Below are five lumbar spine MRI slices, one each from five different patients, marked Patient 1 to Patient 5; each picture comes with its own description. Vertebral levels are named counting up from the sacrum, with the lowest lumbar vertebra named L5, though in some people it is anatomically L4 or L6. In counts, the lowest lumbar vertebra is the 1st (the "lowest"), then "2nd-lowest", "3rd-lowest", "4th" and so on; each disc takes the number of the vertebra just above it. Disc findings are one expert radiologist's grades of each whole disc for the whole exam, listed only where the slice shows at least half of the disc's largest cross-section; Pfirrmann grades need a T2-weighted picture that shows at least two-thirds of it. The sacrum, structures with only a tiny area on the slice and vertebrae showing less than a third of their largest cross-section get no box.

Patient 1 of 5:
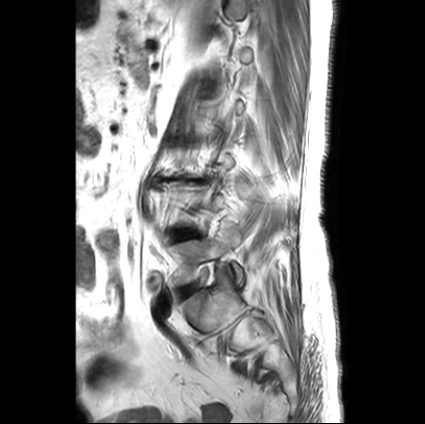 Slice spacing 3.3 mm. Patient sex: F. Slice 22 of 27. MRI lumbar spine (T2-weighted), sagittal plane.
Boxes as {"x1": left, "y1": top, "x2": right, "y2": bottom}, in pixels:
Lowest vertebra: {"x1": 173, "y1": 226, "x2": 243, "y2": 286}.
2nd-lowest disc: {"x1": 175, "y1": 230, "x2": 198, "y2": 239}.
3rd-lowest disc: {"x1": 162, "y1": 177, "x2": 200, "y2": 181}.
Lowest disc: {"x1": 182, "y1": 285, "x2": 194, "y2": 296}.

Patient 2 of 5:
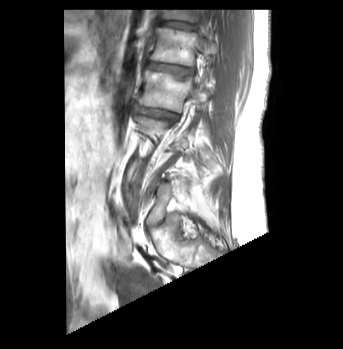

Field of view 285x291 mm, Lumbar spine MR, T1-weighted, sagittal

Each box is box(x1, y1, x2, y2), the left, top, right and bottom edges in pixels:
L2 vertebra: box(138, 70, 191, 112).
L1: box(150, 27, 202, 65).
T12: box(163, 10, 195, 22).
L1/L2: box(146, 60, 192, 78).
Intervertebral disc L2/L3: box(137, 106, 178, 122).
Intervertebral disc T12/L1: box(159, 20, 195, 30).

Per-level radiological findings:
- T12/L1: upper-endplate change
- L2/L3: disc narrowing, Modic type II, lower-endplate change, disc bulging
- L1/L2: upper-endplate change

Patient 3 of 5:
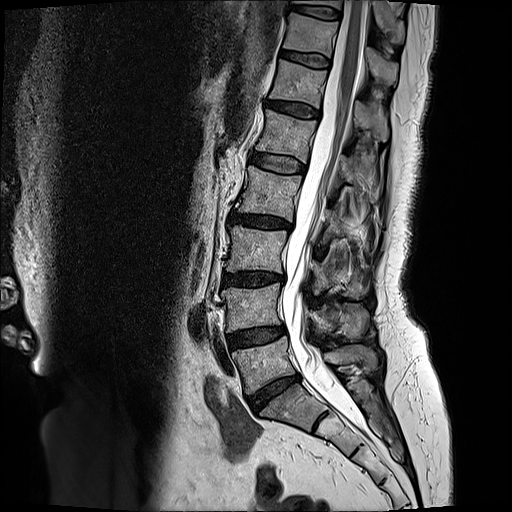 Field of view 300x300 mm, slice spacing 3.3 mm, Sagittal T2-weighted lumbar spine MRI, Image 512x512
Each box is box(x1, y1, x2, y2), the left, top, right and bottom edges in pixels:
Structures:
* intervertebral disc L3/L4 = box(223, 271, 283, 283)
* intervertebral disc L1/L2 = box(251, 152, 305, 172)
* T10 = box(293, 0, 406, 40)
* L4 vertebra = box(222, 282, 368, 337)
* intervertebral disc L2/L3 = box(229, 210, 291, 227)
* intervertebral disc T10/T11 = box(287, 5, 340, 18)
* L3 = box(228, 225, 362, 297)
* T12/L1 = box(267, 99, 319, 117)
* T12 vertebra = box(271, 59, 390, 141)
* L2 vertebra = box(236, 166, 342, 242)
* L5 = box(233, 337, 377, 393)
* intervertebral disc L4/L5 = box(229, 326, 284, 346)
* spinal canal = box(282, 1, 366, 429)
* T11 vertebra = box(284, 13, 398, 84)
* L5/S1 = box(249, 376, 298, 411)
* L1 = box(257, 110, 354, 183)
* intervertebral disc T11/T12 = box(283, 50, 330, 66)

Radiological gradings:
• T12/L1: Pfirrmann grade 3, disc bulging
• L1/L2: Pfirrmann grade 2
• L4/L5: Pfirrmann grade 3, disc bulging
• T11/T12: Pfirrmann grade 2
• T10/T11: Pfirrmann grade 2
• L2/L3: Pfirrmann grade 4, lower-endplate change, Modic type II, upper-endplate change, disc narrowing, disc bulging
• L5/S1: Pfirrmann grade 4, disc narrowing, disc bulging
• L3/L4: Pfirrmann grade 4, disc narrowing, Modic type II, upper-endplate change, lower-endplate change, disc bulging

Patient 4 of 5:
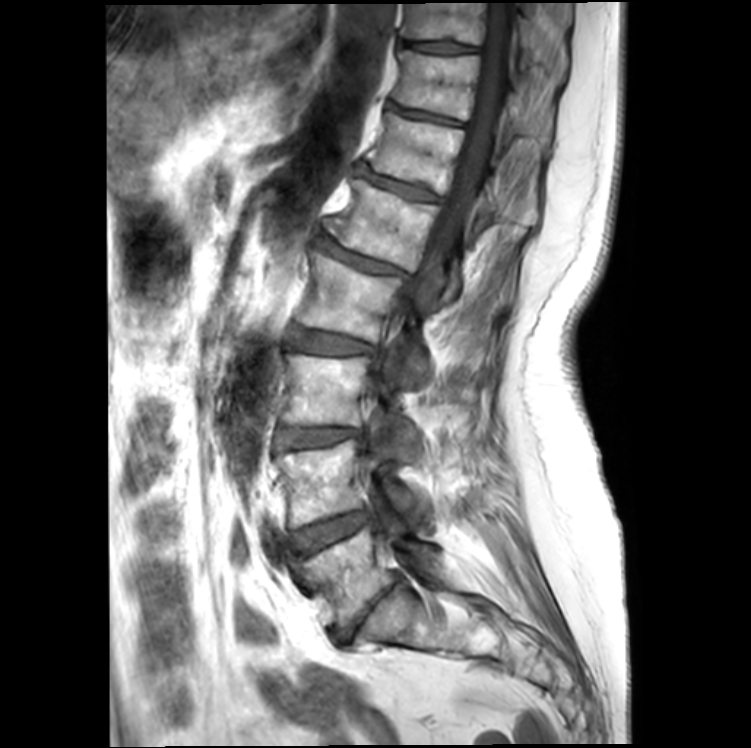

Patient sex: F; MRI lumbar spine (T1-weighted), sagittal plane; Slice spacing 4.4 mm
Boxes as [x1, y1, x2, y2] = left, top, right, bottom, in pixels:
2nd-lowest vertebra = [276, 439, 413, 528].
8th disc = [403, 42, 478, 54].
4th disc = [289, 327, 376, 353].
6th disc = [358, 167, 440, 201].
6th vertebra = [365, 112, 494, 235].
Lowest disc = [330, 580, 398, 644].
5th vertebra = [324, 178, 458, 303].
7th vertebra = [393, 51, 522, 133].
5th disc = [320, 238, 410, 280].
2nd-lowest disc = [295, 510, 370, 555].
Thecal sac / spinal canal = [384, 3, 513, 355].
8th vertebra = [400, 3, 531, 54].
3rd-lowest disc = [278, 427, 361, 448].
7th disc = [389, 104, 462, 125].
4th vertebra = [297, 250, 427, 382].
3rd-lowest vertebra = [282, 354, 417, 446].
Lowest vertebra = [303, 519, 432, 627].

Per-level radiological findings:
  lowest disc: disc bulging, upper-endplate change, disc narrowing, lower-endplate change
  2nd-lowest disc: disc bulging, Modic type II
  6th disc: Modic type II, upper-endplate change, lower-endplate change, disc narrowing
  5th disc: lower-endplate change, Modic type II, upper-endplate change, spondylolisthesis, disc bulging, disc narrowing
  3rd-lowest disc: Modic type II, disc narrowing, disc bulging
  8th disc: lower-endplate change
  4th disc: disc bulging, Modic type II
  7th disc: Modic type II, disc narrowing, lower-endplate change, upper-endplate change

Patient 5 of 5:
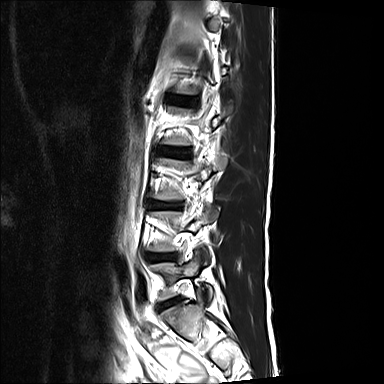 Lumbar spine MR, T2-weighted, sagittal; Slice 3/15; Patient sex: M
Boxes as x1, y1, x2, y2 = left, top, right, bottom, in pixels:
L1/L2 (5th disc) at 174, 96, 190, 104; L5/S1 (lowest disc) at 162, 298, 181, 307; L3/L4 (3rd-lowest disc) at 149, 201, 180, 209; L4/L5 (2nd-lowest disc) at 147, 253, 174, 260; L5 (lowest vertebra) at 152, 251, 213, 304; L2/L3 (4th disc) at 157, 146, 189, 158.

Degenerative findings by level:
- L2/L3 (4th disc): lower-endplate change